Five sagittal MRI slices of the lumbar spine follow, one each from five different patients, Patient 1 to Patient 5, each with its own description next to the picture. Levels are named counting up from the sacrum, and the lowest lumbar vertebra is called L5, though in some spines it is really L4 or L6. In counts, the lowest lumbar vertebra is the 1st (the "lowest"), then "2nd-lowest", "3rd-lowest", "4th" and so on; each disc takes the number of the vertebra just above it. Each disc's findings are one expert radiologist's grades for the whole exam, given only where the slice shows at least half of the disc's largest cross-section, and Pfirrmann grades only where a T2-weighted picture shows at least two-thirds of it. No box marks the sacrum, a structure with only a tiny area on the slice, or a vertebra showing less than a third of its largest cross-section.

Patient 1 of 5:
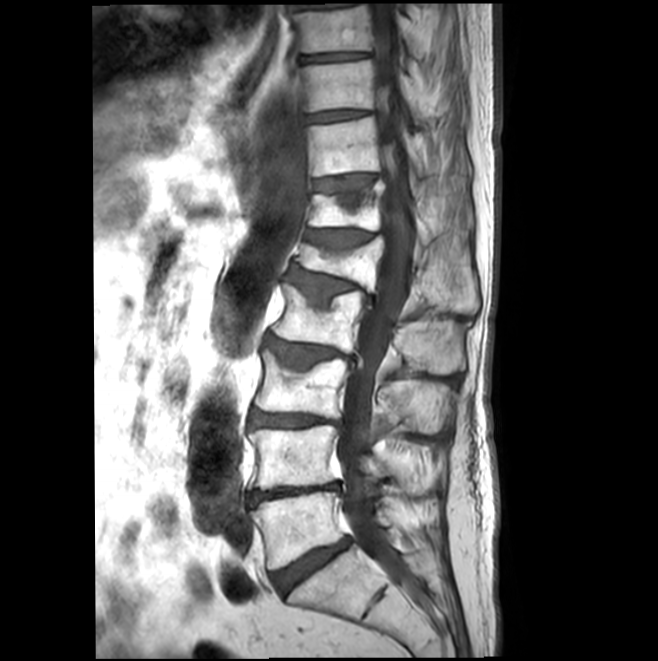 Field of view 308x310 mm, slice spacing 4.4 mm | Sagittal slice index 10 | MRI lumbar spine (T1-weighted), sagittal plane
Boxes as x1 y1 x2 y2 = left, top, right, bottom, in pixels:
L1 vertebra at 294 237 477 312, L4/L5 at 248 483 337 506, disc T10/T11 at 307 110 366 122, L5 vertebra at 251 491 435 569, disc L5/S1 at 272 538 349 593, T10 vertebra at 301 59 422 123, L3 at 255 350 446 432, L3/L4 at 251 410 338 428, T12 vertebra at 308 182 434 243, disc T9/T10 at 299 52 368 63, spinal canal at 337 4 413 586, T11 at 309 117 429 176, disc T12/L1 at 305 229 373 253, L2 vertebra at 271 283 463 373, L4 vertebra at 248 425 432 489, T9 at 289 4 419 56, disc L1/L2 at 288 269 374 305, disc T11/T12 at 312 175 377 204, L2/L3 at 265 337 350 367.

Degenerative findings by level:
  T11/T12: Modic type II, upper-endplate change
  L4/L5: disc bulging, upper-endplate change, Modic type II, disc narrowing, lower-endplate change
  L3/L4: disc bulging, Modic type II, upper-endplate change, disc narrowing, lower-endplate change
  T12/L1: upper-endplate change, disc narrowing, Modic type II
  L2/L3: Modic type II, disc narrowing, upper-endplate change, disc bulging
  L5/S1: Modic type II, disc narrowing, disc bulging
  L1/L2: spondylolisthesis, Modic type II, upper-endplate change, disc narrowing, disc bulging
  T10/T11, T9/T10: no Modic or endplate change, herniation, narrowing, bulging or spondylolisthesis recorded

Patient 2 of 5:
T2 SPACE (3D) sagittal MRI of the lumbar spine; Sagittal slice index 43; Patient sex: M 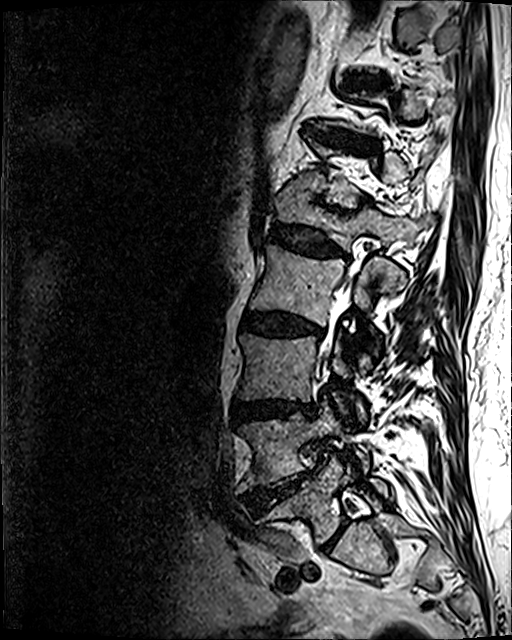 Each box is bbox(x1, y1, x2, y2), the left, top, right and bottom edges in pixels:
Annotations:
- L4 = bbox(238, 405, 368, 491)
- intervertebral disc T12/L1 = bbox(317, 200, 345, 213)
- L1/L2 = bbox(267, 223, 346, 256)
- intervertebral disc L2/L3 = bbox(241, 312, 323, 336)
- L1 = bbox(274, 185, 434, 250)
- L5/S1 = bbox(320, 520, 347, 551)
- L5 = bbox(269, 456, 387, 544)
- L3 = bbox(237, 333, 365, 420)
- T11/T12 = bbox(306, 127, 376, 149)
- spinal canal = bbox(318, 269, 354, 373)
- L2 vertebra = bbox(249, 244, 405, 366)
- intervertebral disc L4/L5 = bbox(245, 470, 314, 512)
- L3/L4 = bbox(234, 401, 315, 420)

Expert MSK radiologist gradings (per disc):
• L1/L2: Pfirrmann grade 4, upper-endplate change, disc narrowing, disc bulging, lower-endplate change
• L4/L5: Pfirrmann grade 5, upper-endplate change, Modic type II, lower-endplate change, disc herniation, disc narrowing, disc bulging
• T11/T12: Pfirrmann grade 4, disc bulging, upper-endplate change, lower-endplate change, disc narrowing
• L3/L4: Pfirrmann grade 4, lower-endplate change, upper-endplate change, disc narrowing, disc bulging
• L2/L3: Pfirrmann grade 4, Modic type II, lower-endplate change, disc bulging, disc narrowing, upper-endplate change

Patient 3 of 5:
Sagittal T2-weighted lumbar spine MRI. Field of view 260x260 mm, slice spacing 4.8 mm. 384x384 px. 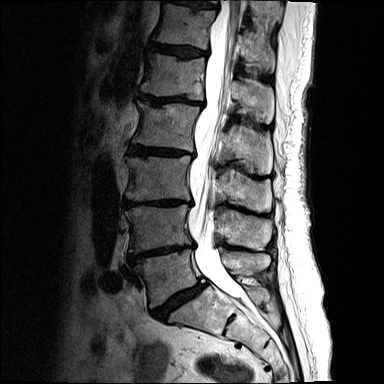

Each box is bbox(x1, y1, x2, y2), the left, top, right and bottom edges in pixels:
IVD L4/L5 = bbox(130, 245, 193, 261).
IVD T12/L1 = bbox(150, 43, 207, 57).
IVD L2/L3 = bbox(129, 144, 193, 156).
L4 vertebra = bbox(125, 205, 271, 252).
T11/T12 = bbox(179, 0, 215, 9).
L2 = bbox(133, 101, 272, 174).
Thecal sac / spinal canal = bbox(188, 0, 241, 299).
T11 = bbox(250, 0, 281, 19).
L1 = bbox(141, 53, 273, 117).
L5/S1 = bbox(152, 283, 205, 319).
IVD L3/L4 = bbox(124, 199, 191, 207).
L3 = bbox(126, 156, 271, 211).
L1/L2 = bbox(140, 94, 203, 105).
L5 = bbox(137, 249, 270, 307).
T12 = bbox(153, 4, 274, 66).

Expert MSK radiologist gradings (per disc):
• L1/L2: Pfirrmann grade 5, disc bulging, lower-endplate change, disc narrowing, Modic type II, upper-endplate change
• L4/L5: Pfirrmann grade 5, disc bulging, lower-endplate change, upper-endplate change, disc narrowing, Modic type II
• L3/L4: Pfirrmann grade 5, disc bulging, disc narrowing, Modic type II, lower-endplate change, upper-endplate change
• T12/L1: Pfirrmann grade 4, upper-endplate change, lower-endplate change, Modic type II, disc bulging
• L2/L3: Pfirrmann grade 5, Modic type II, disc bulging, disc narrowing, lower-endplate change, upper-endplate change
• T11/T12: Pfirrmann grade 4, Modic type II, disc bulging, upper-endplate change, lower-endplate change
• L5/S1: Pfirrmann grade 5, lower-endplate change, upper-endplate change, Modic type II, disc bulging, spondylolisthesis, disc narrowing

Patient 4 of 5:
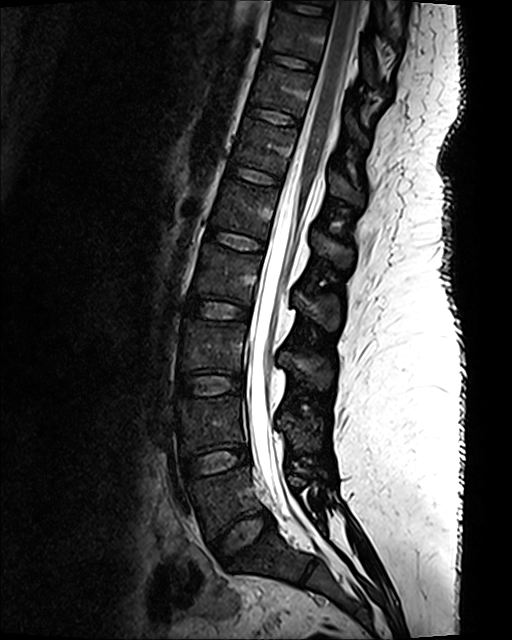 Field of view 240x300 mm, MRI lumbar spine (T2 SPACE (3D)), sagittal plane, Patient sex: F, Slice 61/120

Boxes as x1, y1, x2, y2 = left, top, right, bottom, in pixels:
intervertebral disc L3/L4 (3rd-lowest disc): 178, 374, 243, 396 | T12/L1 (6th disc): 228, 164, 281, 185 | L5 (lowest vertebra): 189, 467, 305, 537 | T11 (7th vertebra): 251, 64, 357, 137 | L4 (2nd-lowest vertebra): 177, 396, 318, 453 | intervertebral disc L4/L5 (2nd-lowest disc): 183, 445, 250, 478 | intervertebral disc T10/T11 (8th disc): 264, 51, 316, 70 | thecal sac / spinal canal: 246, 0, 361, 525 | T12 (6th vertebra): 234, 119, 364, 206 | intervertebral disc L5/S1 (lowest disc): 212, 511, 273, 563 | L1 (5th vertebra): 212, 179, 351, 266 | L2/L3 (4th disc): 185, 298, 250, 319 | L2 (4th vertebra): 192, 244, 339, 331 | L1/L2 (5th disc): 207, 229, 264, 250 | L3 (3rd-lowest vertebra): 180, 319, 331, 391 | T11/T12 (7th disc): 247, 106, 300, 125 | T10 (8th vertebra): 268, 11, 383, 80

Degenerative findings by level:
  L1/L2 (5th disc): Pfirrmann grade 1
  T10/T11 (8th disc): Pfirrmann grade 1
  L4/L5 (2nd-lowest disc): Pfirrmann grade 1
  T12/L1 (6th disc): Pfirrmann grade 1
  T11/T12 (7th disc): Pfirrmann grade 1
  L3/L4 (3rd-lowest disc): Pfirrmann grade 1
  L2/L3 (4th disc): Pfirrmann grade 1
  L5/S1 (lowest disc): Pfirrmann grade 1

Patient 5 of 5:
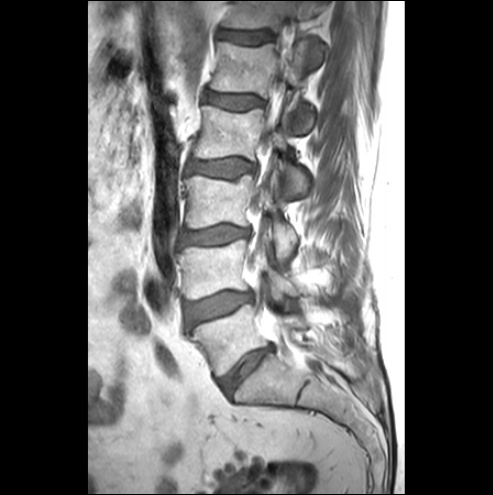
MRI lumbar spine (T1-weighted), sagittal plane, Sex M
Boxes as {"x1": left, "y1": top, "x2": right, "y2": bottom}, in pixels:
spinal canal: {"x1": 255, "y1": 68, "x2": 285, "y2": 198} | L2 (4th vertebra): {"x1": 197, "y1": 105, "x2": 308, "y2": 196} | IVD L1/L2 (5th disc): {"x1": 206, "y1": 91, "x2": 261, "y2": 109} | IVD L3/L4 (3rd-lowest disc): {"x1": 183, "y1": 225, "x2": 248, "y2": 243} | T12 (6th vertebra): {"x1": 224, "y1": 1, "x2": 325, "y2": 67} | IVD T12/L1 (6th disc): {"x1": 219, "y1": 31, "x2": 272, "y2": 43} | L3 (3rd-lowest vertebra): {"x1": 185, "y1": 172, "x2": 296, "y2": 257} | L1 (5th vertebra): {"x1": 211, "y1": 40, "x2": 314, "y2": 133} | IVD L5/S1 (lowest disc): {"x1": 219, "y1": 346, "x2": 273, "y2": 394} | IVD L2/L3 (4th disc): {"x1": 187, "y1": 159, "x2": 252, "y2": 176} | IVD L4/L5 (2nd-lowest disc): {"x1": 186, "y1": 292, "x2": 251, "y2": 325} | L5 (lowest vertebra): {"x1": 190, "y1": 304, "x2": 334, "y2": 374} | L4 (2nd-lowest vertebra): {"x1": 181, "y1": 240, "x2": 298, "y2": 307}

Per-level radiological findings:
- L3/L4 (3rd-lowest disc): disc bulging
- L5/S1 (lowest disc): disc bulging, disc narrowing
- L4/L5 (2nd-lowest disc): Modic type III, disc bulging
- L2/L3 (4th disc), L1/L2 (5th disc), T12/L1 (6th disc): no herniation, bulging, narrowing, spondylolisthesis, endplate or Modic change recorded